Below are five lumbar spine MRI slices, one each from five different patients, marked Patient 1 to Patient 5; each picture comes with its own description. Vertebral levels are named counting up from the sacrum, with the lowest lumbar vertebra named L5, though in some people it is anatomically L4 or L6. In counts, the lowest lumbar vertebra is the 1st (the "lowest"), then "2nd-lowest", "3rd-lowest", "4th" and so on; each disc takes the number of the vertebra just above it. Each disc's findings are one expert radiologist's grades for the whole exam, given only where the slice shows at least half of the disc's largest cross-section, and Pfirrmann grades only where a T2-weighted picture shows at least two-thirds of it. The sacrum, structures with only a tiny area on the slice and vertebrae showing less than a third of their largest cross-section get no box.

Patient 1 of 5:
Sagittal T2 SPACE (3D) lumbar spine MRI; Sagittal slice index 36 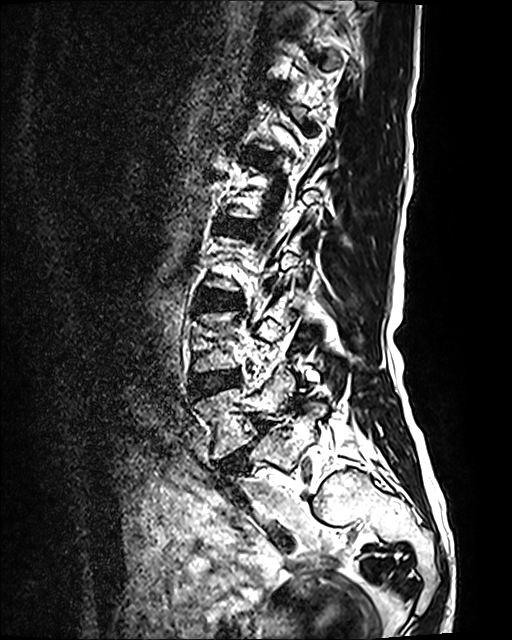

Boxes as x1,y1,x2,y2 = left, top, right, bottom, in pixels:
Annotations:
* IVD L4/L5: 189,370,240,397
* L5 vertebra: 193,367,293,459
* IVD L5/S1: 218,421,268,469
* L4 vertebra: 193,312,290,372
* L3/L4: 200,289,240,309
* L2/L3: 218,218,252,233
* IVD L1/L2: 255,153,263,160

Expert MSK radiologist gradings (per disc):
• L4/L5: no Modic or endplate change, herniation, narrowing, bulging or spondylolisthesis recorded

Patient 2 of 5:
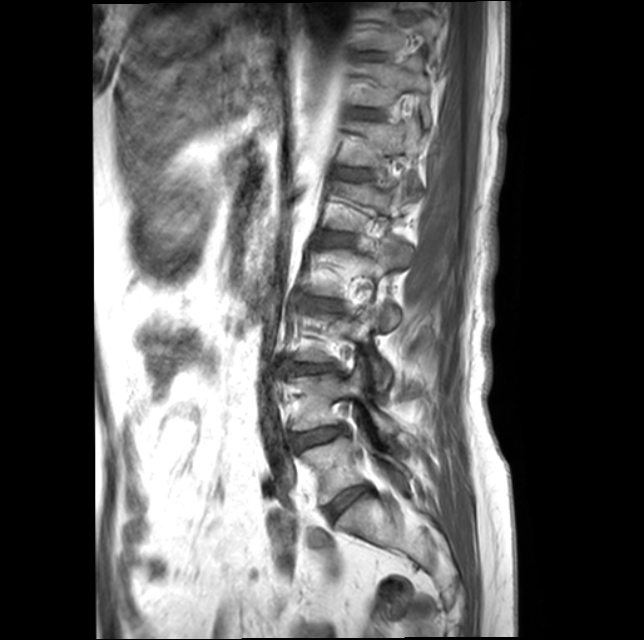 Field of view 310x308 mm. Lumbar spine MR, T1-weighted, sagittal. Slice 6/19. Image 644x640.

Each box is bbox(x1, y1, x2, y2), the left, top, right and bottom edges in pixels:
{"5th disc": "bbox(328, 234, 351, 244)", "4th disc": "bbox(326, 301, 337, 310)", "lowest disc": "bbox(327, 486, 369, 517)", "lowest vertebra": "bbox(302, 433, 409, 504)", "8th vertebra": "bbox(366, 10, 440, 49)", "6th disc": "bbox(348, 170, 367, 180)", "2nd-lowest disc": "bbox(292, 426, 345, 447)", "2nd-lowest vertebra": "bbox(292, 359, 396, 434)", "6th vertebra": "bbox(347, 123, 420, 185)", "3rd-lowest disc": "bbox(292, 364, 334, 373)", "7th vertebra": "bbox(360, 63, 430, 126)"}

Expert MSK radiologist gradings (per disc):
  2nd-lowest disc: disc bulging, lower-endplate change, Modic type II, upper-endplate change

Patient 3 of 5:
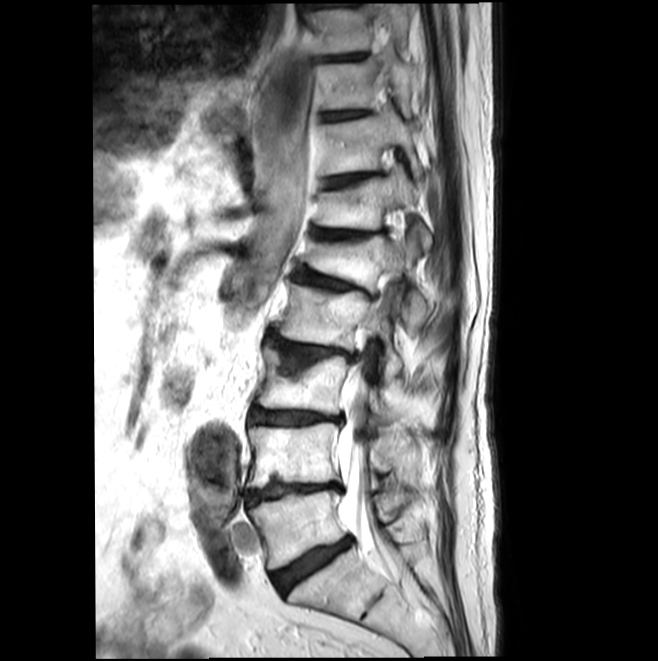 T2-weighted sagittal MRI of the lumbar spine

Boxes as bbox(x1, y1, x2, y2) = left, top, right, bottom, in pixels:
9th vertebra at bbox(308, 4, 409, 53); 4th disc at bbox(265, 334, 352, 369); 5th disc at bbox(294, 270, 377, 299); lowest disc at bbox(271, 538, 350, 594); 3rd-lowest disc at bbox(251, 409, 340, 424); 6th vertebra at bbox(316, 166, 431, 247); 2nd-lowest disc at bbox(245, 483, 338, 504); 7th disc at bbox(324, 174, 373, 188); 9th disc at bbox(324, 53, 363, 60); 3rd-lowest vertebra at bbox(257, 347, 396, 422); 6th disc at bbox(314, 229, 371, 240); spinal canal at bbox(338, 243, 401, 578); 8th vertebra at bbox(321, 52, 410, 114); 4th vertebra at bbox(275, 285, 403, 380); lowest vertebra at bbox(248, 490, 423, 569); 5th vertebra at bbox(307, 224, 427, 323); 2nd-lowest vertebra at bbox(247, 423, 413, 488); 8th disc at bbox(323, 111, 366, 121); 7th vertebra at bbox(323, 111, 423, 178).

Radiological gradings:
  4th disc: Pfirrmann grade 3, disc bulging, upper-endplate change, Modic type II, disc narrowing
  2nd-lowest disc: Pfirrmann grade 5, lower-endplate change, Modic type II, disc bulging, upper-endplate change, disc narrowing
  5th disc: disc bulging, Modic type II, disc narrowing, upper-endplate change, spondylolisthesis
  lowest disc: Pfirrmann grade 3, disc narrowing, disc bulging, Modic type II
  3rd-lowest disc: Pfirrmann grade 3, lower-endplate change, upper-endplate change, Modic type II, disc narrowing, disc bulging
  8th disc: no herniation, bulging, narrowing, spondylolisthesis, endplate or Modic change recorded

Patient 4 of 5:
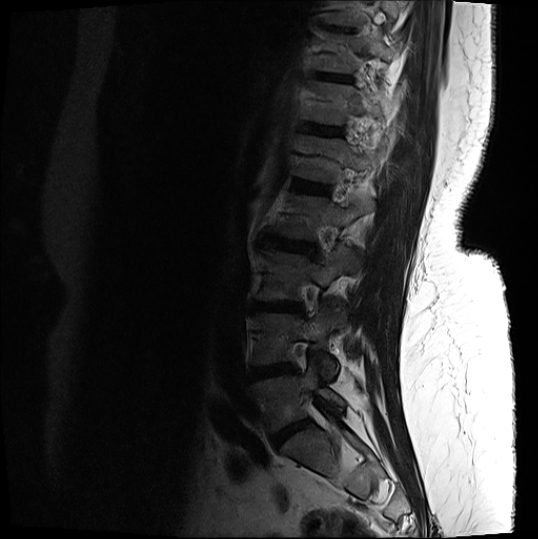
538x539 px. MRI lumbar spine (T2-weighted), sagittal plane.
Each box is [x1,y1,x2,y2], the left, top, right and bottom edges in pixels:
2nd-lowest vertebra = [252,305,344,376].
7th disc = [318,74,351,82].
7th vertebra = [319,35,399,73].
5th disc = [293,179,327,194].
Lowest disc = [272,420,309,446].
3rd-lowest vertebra = [258,248,360,300].
4th disc = [267,234,317,256].
4th vertebra = [276,196,374,240].
8th disc = [328,27,353,32].
2nd-lowest disc = [250,365,295,378].
Lowest vertebra = [255,357,345,432].
6th disc = [307,124,342,136].
3rd-lowest disc = [258,302,302,311].
6th vertebra = [305,83,391,125].
5th vertebra = [294,135,376,182].

Per-level radiological findings:
• 4th disc: disc bulging, lower-endplate change, upper-endplate change
• 3rd-lowest disc: Modic type II, disc narrowing, lower-endplate change, upper-endplate change, disc bulging

Patient 5 of 5:
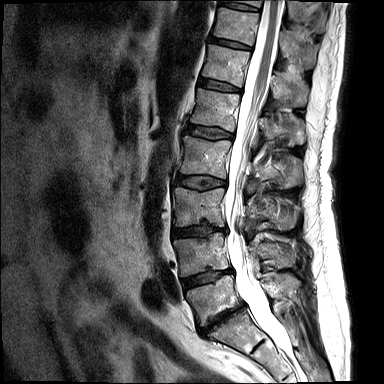
T2-weighted sagittal MRI of the lumbar spine
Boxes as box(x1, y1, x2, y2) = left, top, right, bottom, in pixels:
{"L4 vertebra": "box(174, 233, 293, 276)", "T10 vertebra": "box(234, 0, 304, 19)", "T12 vertebra": "box(202, 44, 308, 105)", "L3": "box(173, 187, 294, 228)", "T12/L1": "box(199, 78, 240, 91)", "L4/L5": "box(183, 269, 232, 288)", "L5 vertebra": "box(187, 274, 299, 325)", "L3/L4": "box(173, 222, 226, 237)", "spinal canal": "box(224, 0, 288, 352)", "IVD L2/L3": "box(177, 175, 226, 189)", "L1 vertebra": "box(191, 88, 305, 145)", "IVD L5/S1": "box(199, 304, 245, 335)", "T11/T12": "box(210, 37, 250, 49)", "IVD T10/T11": "box(219, 2, 259, 11)", "L2 vertebra": "box(181, 136, 302, 187)", "T11 vertebra": "box(214, 7, 315, 66)", "IVD L1/L2": "box(187, 124, 233, 139)"}

Expert MSK radiologist gradings (per disc):
• L4/L5: Pfirrmann grade 3, disc narrowing, upper-endplate change, Modic type II, disc bulging, lower-endplate change
• T12/L1: Pfirrmann grade 1
• L5/S1: Pfirrmann grade 5, upper-endplate change, disc narrowing, Modic type II, lower-endplate change, disc bulging
• T10/T11: Pfirrmann grade 1
• L2/L3: Pfirrmann grade 2, disc bulging
• L3/L4: Pfirrmann grade 3, upper-endplate change, lower-endplate change, disc bulging, disc narrowing
• L1/L2: Pfirrmann grade 2, disc bulging, upper-endplate change
• T11/T12: Pfirrmann grade 1